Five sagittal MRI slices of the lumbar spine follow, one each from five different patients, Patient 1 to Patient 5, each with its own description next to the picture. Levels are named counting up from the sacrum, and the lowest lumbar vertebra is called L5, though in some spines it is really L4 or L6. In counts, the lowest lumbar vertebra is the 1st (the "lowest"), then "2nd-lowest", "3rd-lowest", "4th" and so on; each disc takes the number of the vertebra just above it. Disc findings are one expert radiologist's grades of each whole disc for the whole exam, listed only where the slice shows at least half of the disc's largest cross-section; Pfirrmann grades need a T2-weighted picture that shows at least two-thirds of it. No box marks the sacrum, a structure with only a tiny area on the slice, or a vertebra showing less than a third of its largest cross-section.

Patient 1 of 5:
Image 1092x1117. Patient sex: F. Lumbar spine MR, T1-weighted, sagittal. Field of view 280x286 mm. Sagittal slice index 14.
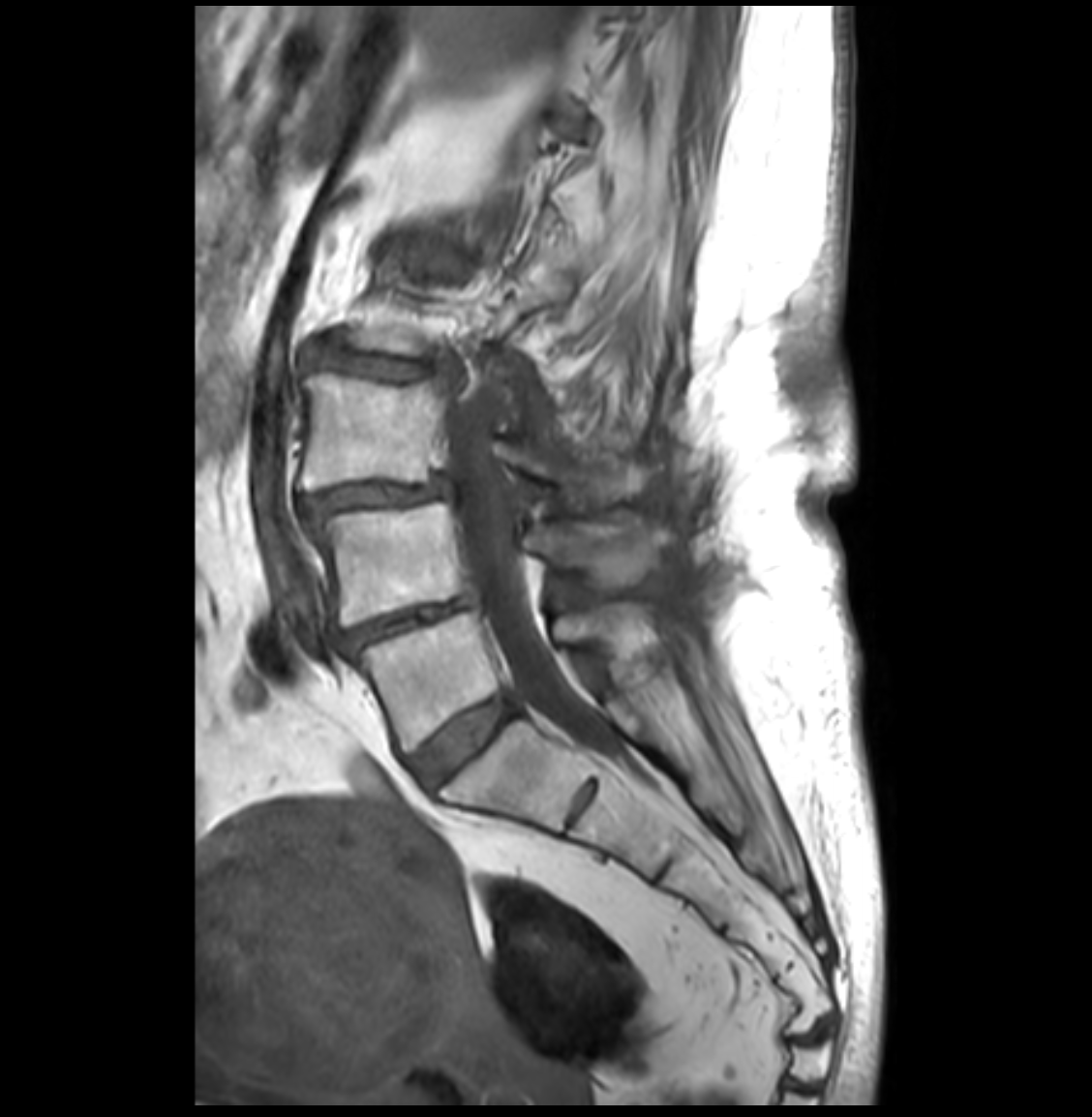
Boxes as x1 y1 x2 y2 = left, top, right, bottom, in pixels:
L4/L5 at 339 592 479 650, L5/S1 at 409 694 516 787, L3 at 300 366 650 500, disc L3/L4 at 302 478 450 517, L4 at 310 503 670 625, L5 vertebra at 353 602 652 751, disc L2/L3 at 310 335 457 379, thecal sac / spinal canal at 439 390 609 747.

Expert MSK radiologist gradings (per disc):
- L4/L5: disc narrowing, disc bulging
- L2/L3: upper-endplate change, disc narrowing, lower-endplate change, disc bulging
- L3/L4: spondylolisthesis, disc narrowing, disc bulging
- L5/S1: no herniation, bulging, narrowing, spondylolisthesis, endplate or Modic change recorded

Patient 2 of 5:
Scanner: SIEMENS Avanto_fit (1.5T) | Field of view 240x300 mm, slice spacing 0.9 mm | T2 SPACE (3D) sagittal MRI of the lumbar spine | Slice 93/120
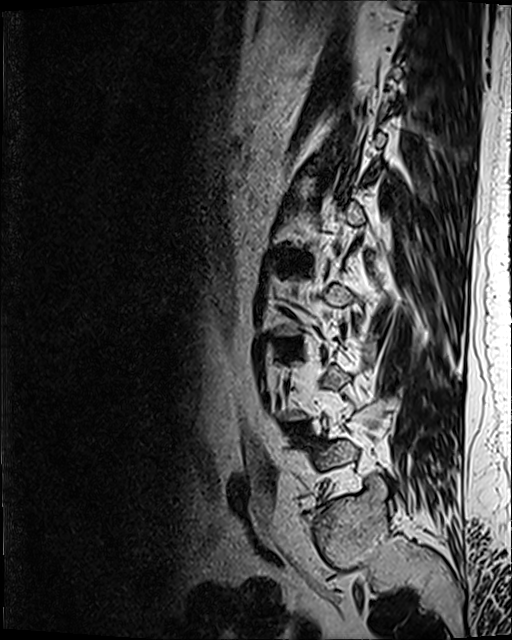
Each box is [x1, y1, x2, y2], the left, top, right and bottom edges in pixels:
4th disc = [279, 253, 310, 266].
3rd-lowest disc = [285, 342, 298, 345].
2nd-lowest disc = [289, 427, 299, 433].

Patient 3 of 5:
Slice spacing 0.9 mm; Sagittal slice index 80; MRI lumbar spine (T2 SPACE (3D)), sagittal plane
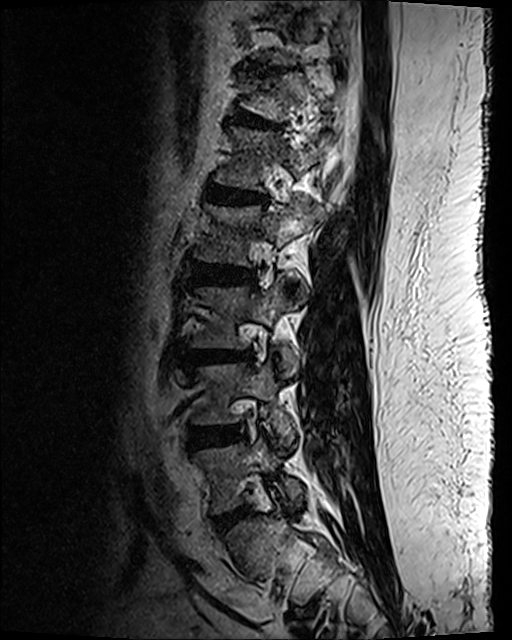
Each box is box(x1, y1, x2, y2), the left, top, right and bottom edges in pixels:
Annotations:
• L3 — box(193, 277, 298, 376)
• L4 vertebra — box(193, 363, 295, 437)
• T12 — box(243, 73, 329, 122)
• L2 vertebra — box(198, 201, 322, 266)
• L5 vertebra — box(197, 438, 305, 512)
• IVD L4/L5 — box(191, 428, 239, 448)
• L5/S1 — box(213, 507, 247, 531)
• T12/L1 — box(234, 113, 279, 130)
• L2/L3 — box(194, 270, 256, 285)
• L1 — box(215, 128, 330, 191)
• IVD T11/T12 — box(247, 65, 288, 77)
• L3/L4 — box(190, 352, 252, 365)
• IVD L1/L2 — box(206, 184, 266, 205)

Degenerative findings by level:
  L1/L2: Pfirrmann grade 3, upper-endplate change, disc narrowing, lower-endplate change, Modic type II, disc bulging
  L2/L3: disc bulging, lower-endplate change

Patient 4 of 5:
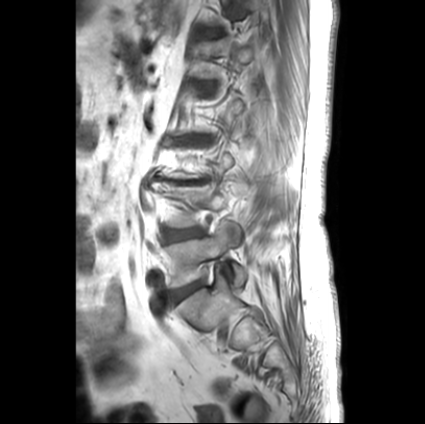
425x424 px; MRI lumbar spine (T1-weighted), sagittal plane; Patient sex: F

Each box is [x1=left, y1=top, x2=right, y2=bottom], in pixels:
intervertebral disc L5/S1: [x1=172, y1=282, x2=201, y2=302] | L5: [x1=166, y1=224, x2=246, y2=288] | intervertebral disc T12/L1: [x1=199, y1=29, x2=221, y2=36] | L3/L4: [x1=150, y1=177, x2=209, y2=184] | intervertebral disc L4/L5: [x1=165, y1=228, x2=204, y2=242]

Per-level radiological findings:
- L4/L5: disc bulging

Patient 5 of 5:
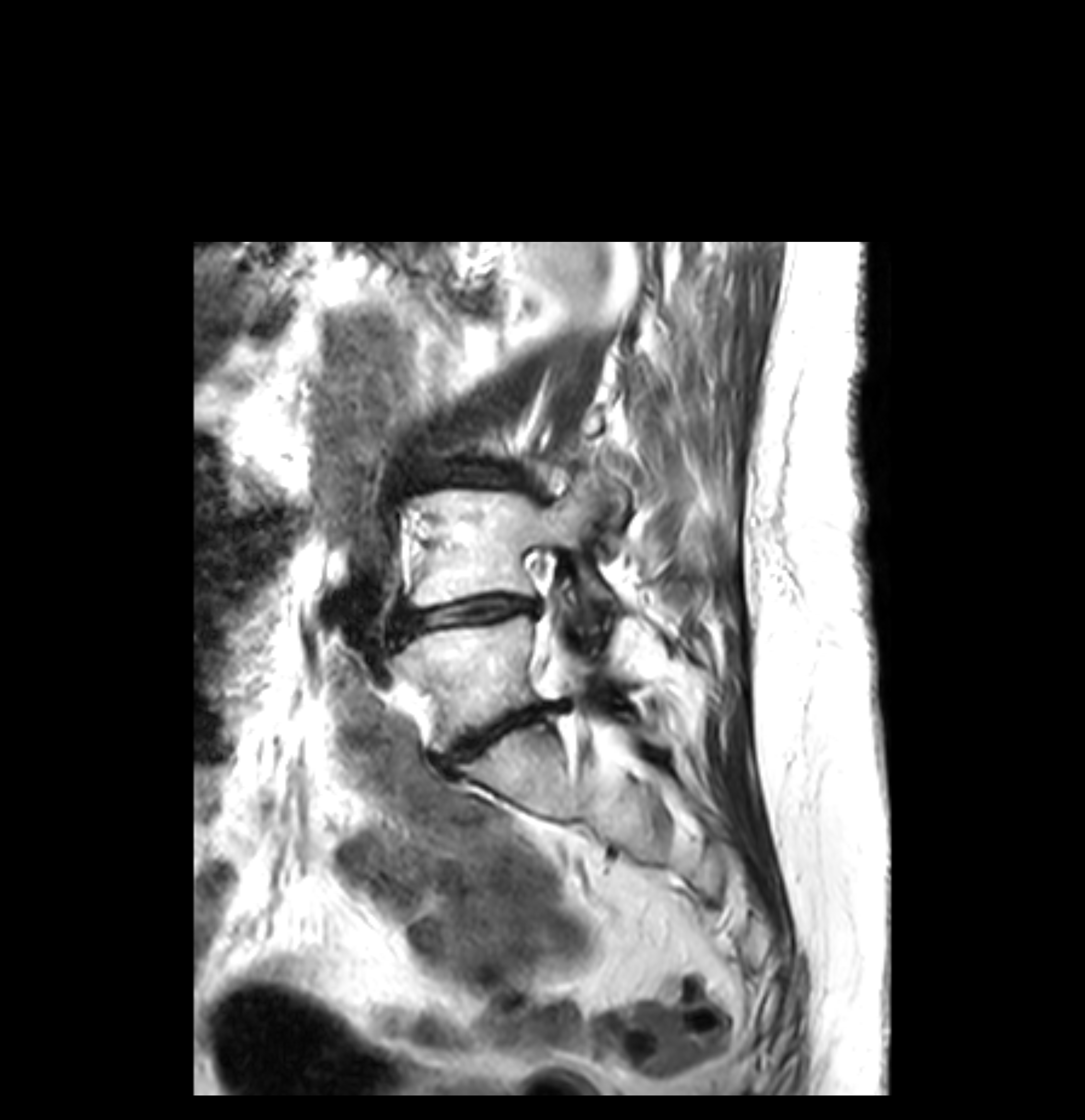 Slice 14/41; Patient sex: F; MRI lumbar spine (T2-weighted), sagittal plane
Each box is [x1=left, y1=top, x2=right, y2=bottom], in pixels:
L5/S1 (lowest disc): [x1=441, y1=703, x2=571, y2=769]
L4/L5 (2nd-lowest disc): [x1=402, y1=597, x2=540, y2=632]
L5 (lowest vertebra): [x1=392, y1=616, x2=612, y2=751]
L4 (2nd-lowest vertebra): [x1=412, y1=485, x2=610, y2=629]

Per-level radiological findings:
  L4/L5 (2nd-lowest disc): Pfirrmann grade 5, disc bulging, upper-endplate change, Modic type II, disc narrowing, lower-endplate change
  L5/S1 (lowest disc): Pfirrmann grade 5, upper-endplate change, disc herniation, lower-endplate change, disc bulging, disc narrowing, Modic type II